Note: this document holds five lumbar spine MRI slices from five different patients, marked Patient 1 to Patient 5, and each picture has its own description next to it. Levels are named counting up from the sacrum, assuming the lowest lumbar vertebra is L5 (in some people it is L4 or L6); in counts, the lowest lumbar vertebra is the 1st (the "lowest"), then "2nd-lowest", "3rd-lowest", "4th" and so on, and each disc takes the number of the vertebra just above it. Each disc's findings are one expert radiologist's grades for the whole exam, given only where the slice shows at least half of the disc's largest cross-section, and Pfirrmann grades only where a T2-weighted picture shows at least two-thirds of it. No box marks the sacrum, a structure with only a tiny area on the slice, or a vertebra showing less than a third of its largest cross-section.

Patient 1 of 5:
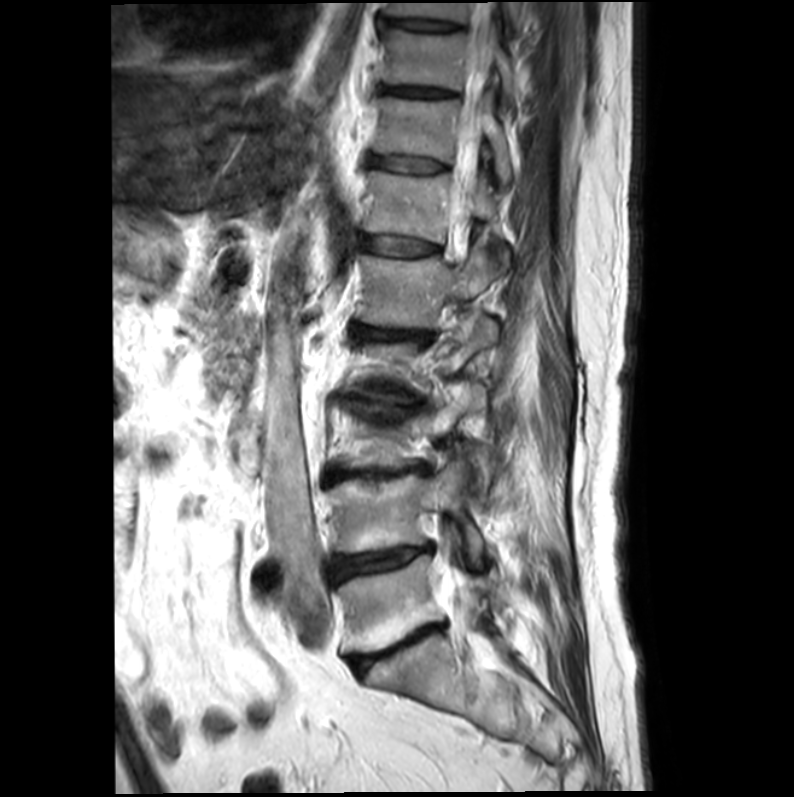 Sagittal slice index 6. Patient sex: M. T2-weighted sagittal MRI of the lumbar spine.
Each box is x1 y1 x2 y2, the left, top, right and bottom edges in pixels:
5th vertebra — 356 240 497 327.
Thecal sac / spinal canal — 449 1 496 649.
6th disc — 362 237 435 256.
9th disc — 379 18 456 30.
7th disc — 369 156 441 172.
6th vertebra — 363 172 496 242.
Lowest disc — 349 624 441 671.
8th disc — 381 86 449 96.
3rd-lowest disc — 328 466 421 480.
9th vertebra — 385 1 523 28.
Lowest vertebra — 337 556 500 652.
2nd-lowest vertebra — 327 458 482 564.
2nd-lowest disc — 329 546 429 583.
7th vertebra — 374 97 511 185.
8th vertebra — 381 31 514 103.
5th disc — 356 326 424 340.

Per-level radiological findings:
  6th disc: Pfirrmann grade 3
  7th disc: Pfirrmann grade 3
  9th disc: Pfirrmann grade 3
  lowest disc: Pfirrmann grade 5, lower-endplate change, disc narrowing, Modic type II, disc bulging, upper-endplate change
  8th disc: Pfirrmann grade 4
  2nd-lowest disc: Pfirrmann grade 5, disc narrowing, upper-endplate change, disc bulging, lower-endplate change, Modic type II

Patient 2 of 5:
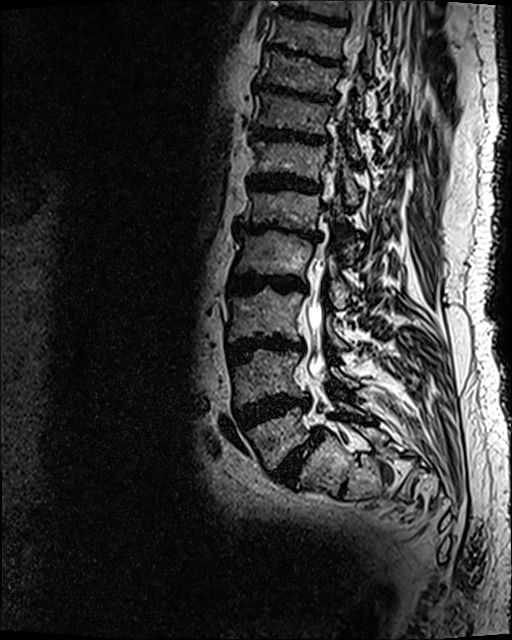 Sagittal slice index 53; MRI lumbar spine (T2 SPACE (3D)), sagittal plane; Image 512x640
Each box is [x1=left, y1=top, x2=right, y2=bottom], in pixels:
intervertebral disc L4/L5: [x1=233, y1=393, x2=310, y2=430] | intervertebral disc L5/S1: [x1=272, y1=428, x2=323, y2=487] | L4: [x1=232, y1=349, x2=359, y2=405] | intervertebral disc T11/T12: [x1=252, y1=125, x2=330, y2=144] | intervertebral disc L2/L3: [x1=228, y1=273, x2=306, y2=294] | intervertebral disc T12/L1: [x1=247, y1=174, x2=321, y2=194] | T10: [x1=257, y1=50, x2=364, y2=117] | T11: [x1=253, y1=92, x2=359, y2=158] | intervertebral disc T9/T10: [x1=263, y1=43, x2=341, y2=67] | T12: [x1=249, y1=138, x2=361, y2=205] | L2: [x1=234, y1=231, x2=349, y2=309] | intervertebral disc L3/L4: [x1=227, y1=335, x2=303, y2=363] | L1 vertebra: [x1=241, y1=177, x2=358, y2=262] | L3: [x1=228, y1=288, x2=347, y2=349] | L1/L2: [x1=233, y1=220, x2=321, y2=241] | intervertebral disc T10/T11: [x1=253, y1=82, x2=334, y2=103] | L5 vertebra: [x1=246, y1=400, x2=373, y2=470] | thecal sac / spinal canal: [x1=308, y1=0, x2=371, y2=380]

Per-level radiological findings:
• L3/L4: Pfirrmann grade 5, disc bulging, disc narrowing, Modic type II, upper-endplate change, lower-endplate change
• L5/S1: Pfirrmann grade 5, Modic type II, lower-endplate change, spondylolisthesis, disc bulging, disc narrowing, upper-endplate change
• T12/L1: Pfirrmann grade 5, lower-endplate change, Modic type II, disc narrowing, upper-endplate change, disc bulging
• T11/T12: Pfirrmann grade 5, Modic type II, disc narrowing, upper-endplate change, disc bulging, lower-endplate change
• L4/L5: Pfirrmann grade 5, Modic type II, disc bulging, disc narrowing, upper-endplate change, lower-endplate change
• T9/T10: disc bulging, disc narrowing, upper-endplate change, Modic type II, lower-endplate change
• L2/L3: Pfirrmann grade 5, lower-endplate change, disc narrowing, Modic type II, upper-endplate change, disc bulging

Patient 3 of 5:
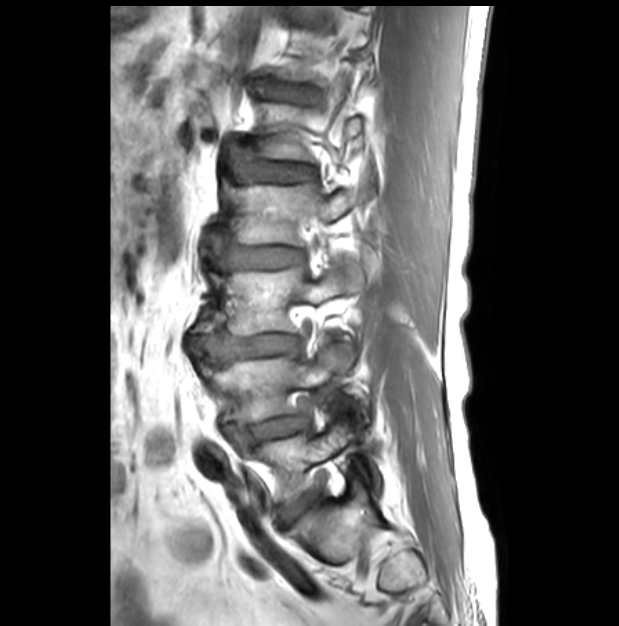 Patient sex: M. MRI lumbar spine (T1-weighted), sagittal plane. Sagittal slice index 21. Field of view 280x283 mm. 619x626 px.
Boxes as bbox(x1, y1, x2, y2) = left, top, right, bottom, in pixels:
L2 vertebra: bbox(233, 182, 365, 246) | IVD T12/L1: bbox(254, 80, 318, 102) | L3: bbox(211, 261, 355, 335) | L4 vertebra: bbox(203, 339, 364, 427) | L5 vertebra: bbox(250, 420, 382, 501) | L3/L4: bbox(193, 329, 299, 365) | IVD L2/L3: bbox(209, 238, 303, 268) | IVD L4/L5: bbox(229, 416, 306, 447) | L1/L2: bbox(225, 142, 314, 181) | L5/S1: bbox(279, 493, 317, 526)

Radiological gradings:
  L4/L5: lower-endplate change, upper-endplate change, disc narrowing, disc bulging, spondylolisthesis
  L2/L3, L3/L4, L1/L2, T12/L1: no Modic or endplate change, herniation, narrowing, bulging or spondylolisthesis recorded

Patient 4 of 5:
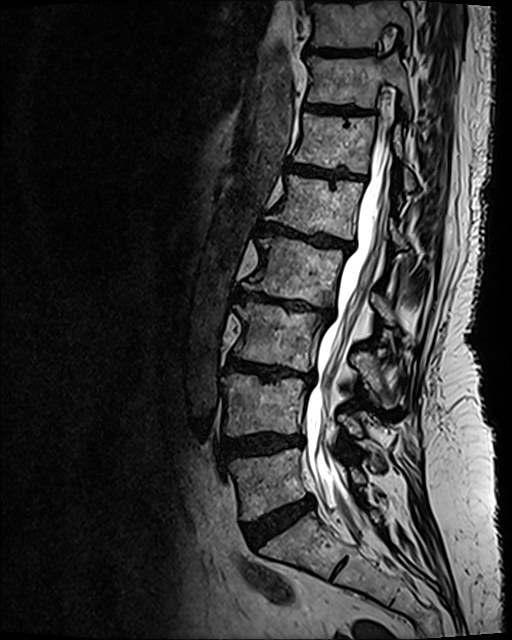 512x640 px. Sagittal T2 SPACE (3D) lumbar spine MRI.
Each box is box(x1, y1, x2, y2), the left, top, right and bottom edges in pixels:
• T12/L1: box(288, 162, 355, 178)
• T10: box(311, 0, 410, 47)
• L5 vertebra: box(228, 449, 365, 520)
• T11 vertebra: box(307, 54, 410, 112)
• IVD L4/L5: box(221, 433, 303, 459)
• L2: box(246, 237, 394, 324)
• IVD L2/L3: box(237, 291, 332, 315)
• T12: box(293, 113, 414, 190)
• L4 vertebra: box(222, 374, 362, 436)
• IVD L1/L2: box(258, 223, 352, 250)
• L3: box(234, 302, 394, 408)
• T11/T12: box(306, 106, 355, 114)
• L5/S1: box(243, 496, 314, 547)
• L1: box(266, 175, 408, 248)
• T10/T11: box(306, 48, 369, 55)
• thecal sac / spinal canal: box(305, 121, 394, 539)
• IVD L3/L4: box(225, 357, 314, 381)

Expert MSK radiologist gradings (per disc):
- T11/T12: Pfirrmann grade 4, lower-endplate change, upper-endplate change
- L3/L4: Pfirrmann grade 5, Modic type II, lower-endplate change, disc narrowing, upper-endplate change, disc bulging
- L4/L5: Pfirrmann grade 4, disc bulging, upper-endplate change, lower-endplate change
- T12/L1: Pfirrmann grade 4, upper-endplate change, Modic type II, lower-endplate change
- T10/T11: Pfirrmann grade 4, lower-endplate change, upper-endplate change
- L5/S1: Pfirrmann grade 4, disc bulging
- L1/L2: Pfirrmann grade 5, Modic type II, disc bulging, upper-endplate change, lower-endplate change, disc narrowing

Patient 5 of 5:
Lumbar spine MR, T1-weighted, sagittal | Image 384x384 | Sagittal slice index 11 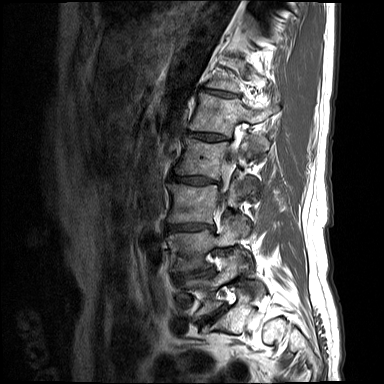

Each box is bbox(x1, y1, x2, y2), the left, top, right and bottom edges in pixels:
Disc L1/L2: bbox(187, 132, 225, 141).
L2/L3: bbox(170, 174, 218, 183).
L3/L4: bbox(166, 223, 214, 231).
L1 vertebra: bbox(189, 93, 279, 136).
Disc L4/L5: bbox(174, 269, 213, 280).
L3 vertebra: bbox(168, 176, 260, 223).
L5/S1: bbox(199, 306, 225, 325).
Spinal canal: bbox(218, 147, 237, 205).
L5: bbox(179, 254, 265, 319).
T12/L1: bbox(202, 88, 236, 97).
L2 vertebra: bbox(174, 137, 269, 179).
L4 vertebra: bbox(168, 216, 249, 270).

Expert MSK radiologist gradings (per disc):
- L3/L4: disc bulging, upper-endplate change, lower-endplate change, disc narrowing
- L1/L2: disc narrowing, upper-endplate change, lower-endplate change
- L2/L3: disc narrowing, lower-endplate change, disc bulging, upper-endplate change
- T12/L1: disc narrowing, upper-endplate change, lower-endplate change
- L4/L5: disc narrowing, lower-endplate change, disc bulging, upper-endplate change